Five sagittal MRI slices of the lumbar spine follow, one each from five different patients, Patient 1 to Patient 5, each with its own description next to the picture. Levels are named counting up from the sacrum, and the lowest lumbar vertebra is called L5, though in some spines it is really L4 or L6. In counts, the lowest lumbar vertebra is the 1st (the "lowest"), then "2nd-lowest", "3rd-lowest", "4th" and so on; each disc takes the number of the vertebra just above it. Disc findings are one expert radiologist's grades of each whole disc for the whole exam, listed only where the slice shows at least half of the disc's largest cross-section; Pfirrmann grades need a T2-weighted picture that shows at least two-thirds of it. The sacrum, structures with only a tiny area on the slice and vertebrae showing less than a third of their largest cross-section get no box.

Patient 1 of 5:
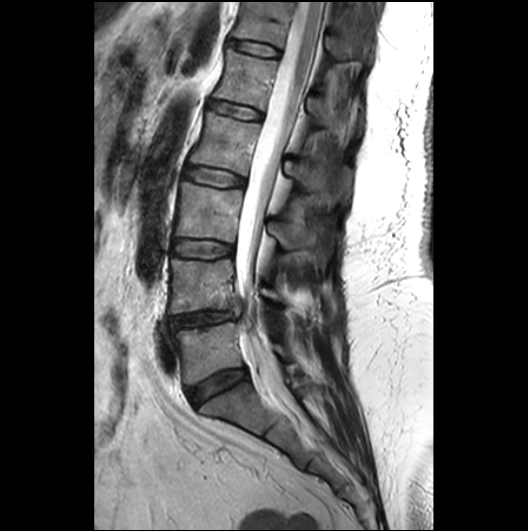

MRI lumbar spine (T2-weighted), sagittal plane.
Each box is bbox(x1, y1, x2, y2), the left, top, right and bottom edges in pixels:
Segmented structures:
* 2nd-lowest disc = bbox(168, 311, 233, 329)
* lowest vertebra = bbox(175, 322, 290, 384)
* 4th vertebra = bbox(190, 111, 339, 197)
* 2nd-lowest vertebra = bbox(170, 259, 284, 313)
* 4th disc = bbox(184, 166, 244, 187)
* 6th vertebra = bbox(232, 1, 366, 59)
* thecal sac / spinal canal = bbox(234, 2, 324, 396)
* 3rd-lowest disc = bbox(174, 239, 233, 258)
* 6th disc = bbox(228, 39, 279, 56)
* lowest disc = bbox(187, 368, 246, 406)
* 3rd-lowest vertebra = bbox(175, 182, 329, 263)
* 5th disc = bbox(207, 100, 263, 119)
* 5th vertebra = bbox(213, 48, 355, 133)

Radiological gradings:
  5th disc: Pfirrmann grade 2
  2nd-lowest disc: Pfirrmann grade 3, disc narrowing, disc herniation
  lowest disc: Pfirrmann grade 3
  6th disc: Pfirrmann grade 2
  3rd-lowest disc: Pfirrmann grade 2
  4th disc: Pfirrmann grade 2

Patient 2 of 5:
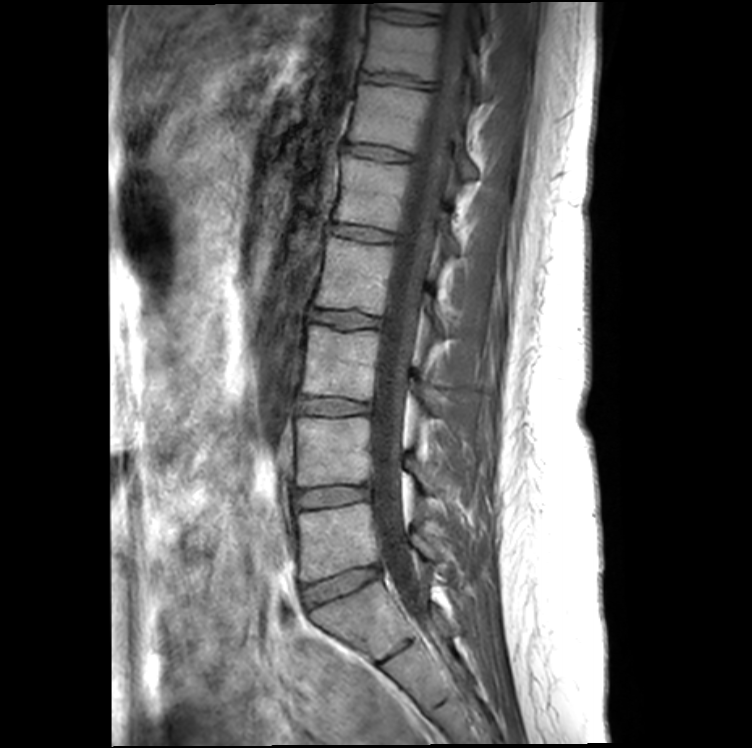

Slice spacing 4.4 mm; T1-weighted sagittal MRI of the lumbar spine

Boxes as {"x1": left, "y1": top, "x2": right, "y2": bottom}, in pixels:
Segmented structures:
- L2 = {"x1": 316, "y1": 237, "x2": 447, "y2": 336}
- intervertebral disc T12/L1 = {"x1": 348, "y1": 145, "x2": 408, "y2": 160}
- L2/L3 = {"x1": 311, "y1": 309, "x2": 381, "y2": 329}
- intervertebral disc L4/L5 = {"x1": 294, "y1": 486, "x2": 370, "y2": 508}
- L5 vertebra = {"x1": 298, "y1": 503, "x2": 475, "y2": 582}
- T12 = {"x1": 349, "y1": 84, "x2": 476, "y2": 178}
- L3 vertebra = {"x1": 303, "y1": 325, "x2": 441, "y2": 414}
- T10 = {"x1": 377, "y1": 3, "x2": 491, "y2": 23}
- T10/T11 = {"x1": 374, "y1": 10, "x2": 441, "y2": 24}
- L1 vertebra = {"x1": 332, "y1": 155, "x2": 459, "y2": 255}
- intervertebral disc L3/L4 = {"x1": 298, "y1": 396, "x2": 373, "y2": 415}
- intervertebral disc T11/T12 = {"x1": 361, "y1": 72, "x2": 429, "y2": 88}
- intervertebral disc L1/L2 = {"x1": 330, "y1": 223, "x2": 395, "y2": 242}
- T11 vertebra = {"x1": 362, "y1": 20, "x2": 488, "y2": 98}
- L4 vertebra = {"x1": 296, "y1": 417, "x2": 437, "y2": 492}
- intervertebral disc L5/S1 = {"x1": 303, "y1": 566, "x2": 379, "y2": 608}
- spinal canal = {"x1": 374, "y1": 3, "x2": 473, "y2": 622}

Per-level radiological findings:
- T11/T12: disc bulging, lower-endplate change
- L5/S1: lower-endplate change
- T12/L1, L3/L4, L2/L3, L1/L2, L4/L5, T10/T11: no spondylolisthesis, narrowing, bulging, herniation, Modic or endplate change recorded

Patient 3 of 5:
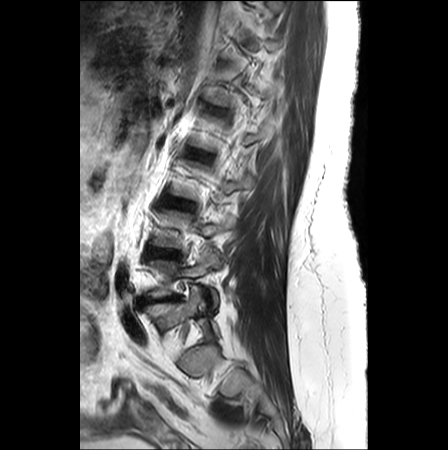
T2-weighted sagittal MRI of the lumbar spine, Slice 20 of 26
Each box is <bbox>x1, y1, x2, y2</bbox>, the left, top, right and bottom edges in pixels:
4th disc: <bbox>189, 151, 208, 159</bbox>.
2nd-lowest disc: <bbox>146, 248, 178, 256</bbox>.
2nd-lowest vertebra: <bbox>152, 211, 234, 248</bbox>.
3rd-lowest disc: <bbox>163, 196, 193, 206</bbox>.
Lowest disc: <bbox>137, 294, 180, 304</bbox>.
Lowest vertebra: <bbox>139, 250, 221, 307</bbox>.

Expert MSK radiologist gradings (per disc):
- lowest disc: spondylolisthesis, Modic type II, disc bulging, disc narrowing

Patient 4 of 5:
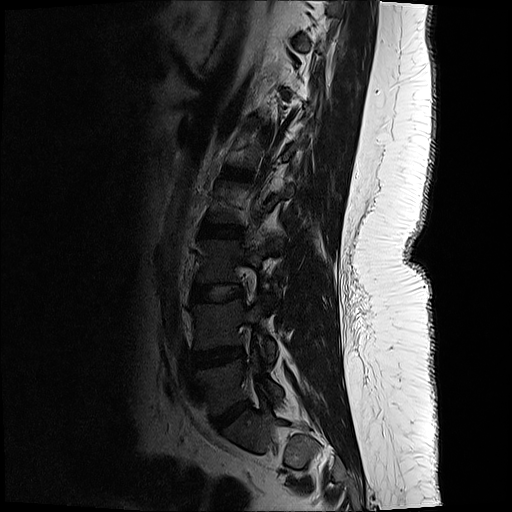 Sagittal T2-weighted lumbar spine MRI, Slice 3 of 17
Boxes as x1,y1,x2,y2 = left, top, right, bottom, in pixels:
L5 (lowest vertebra): 195,354,280,413.
IVD L5/S1 (lowest disc): 208,399,249,427.
IVD L1/L2 (5th disc): 220,166,253,181.
L2 (4th vertebra): 207,181,295,221.
IVD L3/L4 (3rd-lowest disc): 189,283,242,302.
IVD L4/L5 (2nd-lowest disc): 190,346,242,369.
L4 (2nd-lowest vertebra): 192,300,275,360.
IVD L2/L3 (4th disc): 199,222,246,239.
L3 (3rd-lowest vertebra): 195,240,279,301.

Expert MSK radiologist gradings (per disc):
• L4/L5 (2nd-lowest disc): Pfirrmann grade 3, disc narrowing, disc bulging
• L3/L4 (3rd-lowest disc): Pfirrmann grade 1
• L2/L3 (4th disc): Pfirrmann grade 1
• L5/S1 (lowest disc): Pfirrmann grade 4, disc bulging, disc narrowing

Patient 5 of 5:
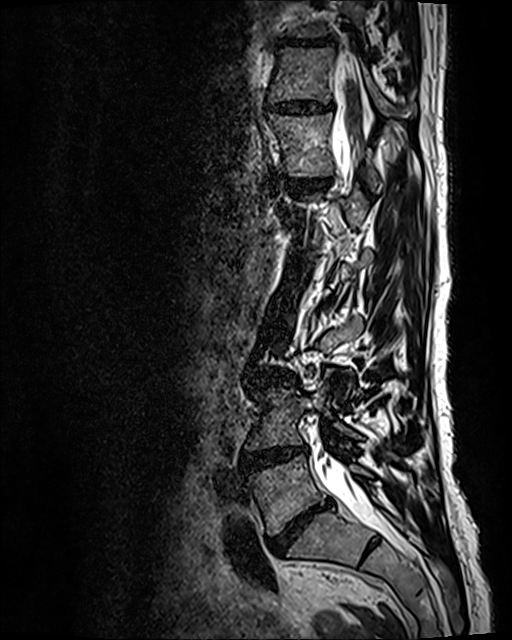 Field of view 240x300 mm, slice spacing 0.9 mm; T2 SPACE (3D) sagittal MRI of the lumbar spine; Sagittal slice index 77
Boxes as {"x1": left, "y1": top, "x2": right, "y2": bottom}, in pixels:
T12 (6th vertebra) — {"x1": 268, "y1": 113, "x2": 379, "y2": 185}.
L3/L4 (3rd-lowest disc) — {"x1": 250, "y1": 371, "x2": 295, "y2": 387}.
Thecal sac / spinal canal — {"x1": 313, "y1": 50, "x2": 410, "y2": 556}.
Intervertebral disc L5/S1 (lowest disc) — {"x1": 270, "y1": 502, "x2": 328, "y2": 553}.
Intervertebral disc T12/L1 (6th disc) — {"x1": 279, "y1": 178, "x2": 329, "y2": 192}.
Intervertebral disc T10/T11 (8th disc) — {"x1": 281, "y1": 37, "x2": 333, "y2": 45}.
L4 (2nd-lowest vertebra) — {"x1": 246, "y1": 372, "x2": 406, "y2": 451}.
T11 (7th vertebra) — {"x1": 269, "y1": 46, "x2": 416, "y2": 115}.
Intervertebral disc L4/L5 (2nd-lowest disc) — {"x1": 240, "y1": 448, "x2": 306, "y2": 473}.
Intervertebral disc T11/T12 (7th disc) — {"x1": 264, "y1": 100, "x2": 333, "y2": 113}.
L5 (lowest vertebra) — {"x1": 247, "y1": 455, "x2": 372, "y2": 535}.

Expert MSK radiologist gradings (per disc):
• T11/T12 (7th disc): Pfirrmann grade 3, disc bulging, disc narrowing
• L5/S1 (lowest disc): Pfirrmann grade 5, disc bulging, disc narrowing, Modic type II, lower-endplate change, upper-endplate change
• T10/T11 (8th disc): disc narrowing, disc bulging
• L4/L5 (2nd-lowest disc): Pfirrmann grade 4, Modic type II, disc bulging, disc narrowing